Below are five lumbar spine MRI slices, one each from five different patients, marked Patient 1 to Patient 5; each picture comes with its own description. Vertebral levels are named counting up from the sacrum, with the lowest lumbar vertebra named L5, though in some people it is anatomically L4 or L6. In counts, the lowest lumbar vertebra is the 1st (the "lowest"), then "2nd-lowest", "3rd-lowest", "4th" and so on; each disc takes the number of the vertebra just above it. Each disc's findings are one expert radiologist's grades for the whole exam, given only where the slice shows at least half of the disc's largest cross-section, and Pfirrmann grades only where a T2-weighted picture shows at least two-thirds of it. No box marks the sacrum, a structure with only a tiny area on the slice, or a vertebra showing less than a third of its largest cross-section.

Patient 1 of 5:
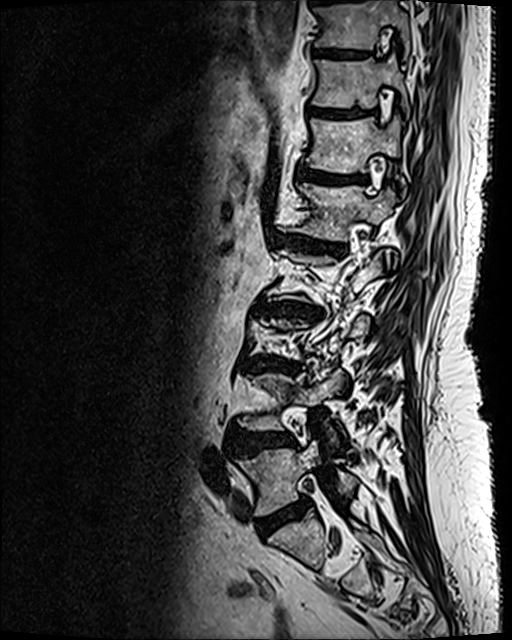
Sagittal slice index 38, Sagittal T2 SPACE (3D) lumbar spine MRI
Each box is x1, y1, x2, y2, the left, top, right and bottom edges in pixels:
L2/L3: 256, 298, 320, 321 | T10: 315, 0, 409, 55 | L3/L4: 251, 359, 296, 370 | L1 vertebra: 294, 183, 395, 241 | T11/T12: 307, 105, 372, 118 | T12/L1: 298, 169, 366, 183 | L4 vertebra: 238, 369, 343, 444 | T11 vertebra: 313, 55, 409, 116 | L1/L2: 271, 233, 345, 254 | IVD L5/S1: 258, 502, 304, 536 | T12 vertebra: 306, 116, 406, 195 | T10/T11: 314, 50, 362, 57 | IVD L4/L5: 229, 432, 294, 456 | L5 vertebra: 237, 440, 357, 515

Degenerative findings by level:
  T10/T11: Pfirrmann grade 4, upper-endplate change, lower-endplate change
  T12/L1: Pfirrmann grade 4, lower-endplate change, upper-endplate change, Modic type II
  L1/L2: Pfirrmann grade 5, disc narrowing, disc bulging, upper-endplate change, Modic type II, lower-endplate change
  L4/L5: Pfirrmann grade 4, upper-endplate change, disc bulging, lower-endplate change
  L2/L3: Pfirrmann grade 5, disc bulging, disc narrowing, upper-endplate change, lower-endplate change, Modic type II
  T11/T12: Pfirrmann grade 4, upper-endplate change, lower-endplate change

Patient 2 of 5:
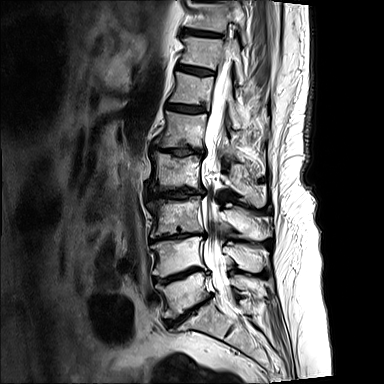
Sagittal slice index 8, Lumbar spine MR, T2-weighted, sagittal
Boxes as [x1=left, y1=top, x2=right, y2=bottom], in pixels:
Disc L2/L3: [x1=150, y1=187, x2=206, y2=198].
L1 vertebra: [x1=155, y1=111, x2=264, y2=173].
L4/L5: [x1=153, y1=267, x2=203, y2=284].
T12/L1: [x1=166, y1=104, x2=203, y2=113].
Thecal sac / spinal canal: [x1=201, y1=58, x2=231, y2=300].
T11: [x1=181, y1=36, x2=246, y2=84].
L2: [x1=148, y1=151, x2=265, y2=207].
Disc L5/S1: [x1=164, y1=294, x2=213, y2=325].
T10: [x1=187, y1=0, x2=247, y2=42].
L1/L2: [x1=153, y1=146, x2=204, y2=155].
T12: [x1=170, y1=72, x2=242, y2=128].
T11/T12: [x1=178, y1=65, x2=214, y2=75].
L3: [x1=146, y1=197, x2=272, y2=240].
L5 vertebra: [x1=155, y1=272, x2=265, y2=318].
Disc L3/L4: [x1=150, y1=233, x2=205, y2=242].
L4: [x1=150, y1=236, x2=264, y2=276].
Disc T10/T11: [x1=182, y1=29, x2=221, y2=35].

Per-level radiological findings:
- L1/L2: Pfirrmann grade 5, disc bulging, upper-endplate change, disc narrowing, lower-endplate change, Modic type I
- L4/L5: Pfirrmann grade 5, lower-endplate change, upper-endplate change, disc narrowing, disc bulging, Modic type II
- T12/L1: Pfirrmann grade 4
- T11/T12: Pfirrmann grade 4, upper-endplate change
- L2/L3: Pfirrmann grade 5, disc narrowing, upper-endplate change, lower-endplate change, Modic type I, disc bulging
- L3/L4: Modic type II, lower-endplate change, disc bulging, upper-endplate change, disc narrowing
- T10/T11: Pfirrmann grade 4, upper-endplate change
- L5/S1: Pfirrmann grade 5, Modic type II, upper-endplate change, lower-endplate change, disc bulging, disc narrowing

Patient 3 of 5:
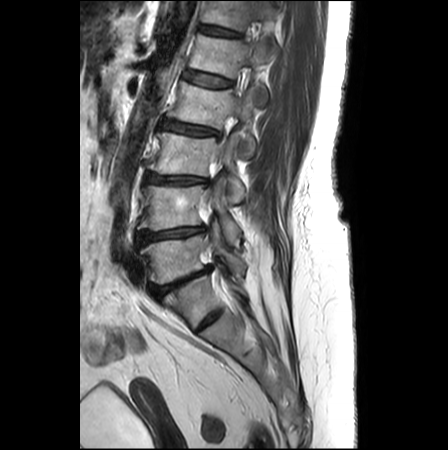 448x450 px | Sagittal T2-weighted lumbar spine MRI

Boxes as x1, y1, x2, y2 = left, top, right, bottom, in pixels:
Segmented structures:
- L3/L4 (3rd-lowest disc): 145, 173, 208, 183
- L2 (4th vertebra): 169, 82, 256, 156
- L5/S1 (lowest disc): 150, 265, 211, 298
- L1 (5th vertebra): 189, 34, 272, 105
- T12 (6th vertebra): 201, 1, 279, 30
- L4 (2nd-lowest vertebra): 138, 178, 240, 245
- IVD L2/L3 (4th disc): 161, 121, 219, 136
- IVD L1/L2 (5th disc): 183, 70, 232, 87
- IVD T12/L1 (6th disc): 198, 24, 240, 36
- L5 (lowest vertebra): 140, 223, 245, 283
- L3 (3rd-lowest vertebra): 147, 131, 244, 203
- L4/L5 (2nd-lowest disc): 136, 226, 204, 244

Radiological gradings:
  L5/S1 (lowest disc): Pfirrmann grade 5, upper-endplate change, Modic type II, disc narrowing, disc bulging, lower-endplate change
  L3/L4 (3rd-lowest disc): Pfirrmann grade 3, disc narrowing, Modic type II, upper-endplate change, lower-endplate change, disc bulging
  L2/L3 (4th disc): Pfirrmann grade 2, disc narrowing, lower-endplate change, disc bulging, upper-endplate change, Modic type II
  L4/L5 (2nd-lowest disc): Pfirrmann grade 3, lower-endplate change, disc narrowing, upper-endplate change, disc bulging, Modic type II
  T12/L1 (6th disc): Pfirrmann grade 2, lower-endplate change
  L1/L2 (5th disc): Pfirrmann grade 1

Patient 4 of 5:
Sagittal T1-weighted lumbar spine MRI

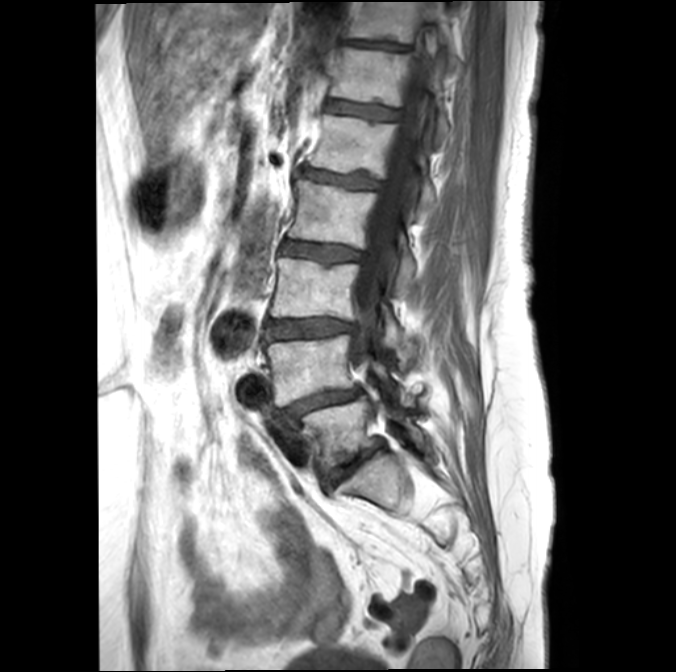

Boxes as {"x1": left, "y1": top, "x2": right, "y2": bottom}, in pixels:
* T11 at {"x1": 350, "y1": 1, "x2": 454, "y2": 62}
* L3 at {"x1": 271, "y1": 257, "x2": 403, "y2": 346}
* L4 at {"x1": 266, "y1": 334, "x2": 415, "y2": 405}
* L1 at {"x1": 308, "y1": 114, "x2": 435, "y2": 210}
* intervertebral disc L2/L3 at {"x1": 283, "y1": 241, "x2": 361, "y2": 260}
* L2 vertebra at {"x1": 288, "y1": 178, "x2": 415, "y2": 291}
* spinal canal at {"x1": 350, "y1": 22, "x2": 435, "y2": 373}
* T12 vertebra at {"x1": 330, "y1": 47, "x2": 448, "y2": 141}
* intervertebral disc L3/L4 at {"x1": 267, "y1": 318, "x2": 353, "y2": 337}
* L1/L2 at {"x1": 303, "y1": 169, "x2": 383, "y2": 188}
* L4/L5 at {"x1": 282, "y1": 388, "x2": 360, "y2": 420}
* T12/L1 at {"x1": 326, "y1": 100, "x2": 400, "y2": 120}
* intervertebral disc L5/S1 at {"x1": 324, "y1": 442, "x2": 382, "y2": 486}
* L5 at {"x1": 301, "y1": 396, "x2": 424, "y2": 468}
* T11/T12 at {"x1": 350, "y1": 39, "x2": 408, "y2": 49}

Per-level radiological findings:
- L5/S1: Modic type II, disc narrowing, disc bulging, lower-endplate change
- T12/L1: Modic type II, upper-endplate change, lower-endplate change
- T11/T12: disc bulging, lower-endplate change, upper-endplate change
- L3/L4: upper-endplate change, disc bulging, lower-endplate change, Modic type II
- L2/L3: upper-endplate change, Modic type II
- L1/L2: lower-endplate change, Modic type II
- L4/L5: spondylolisthesis, lower-endplate change, disc narrowing, Modic type II, disc bulging

Patient 5 of 5:
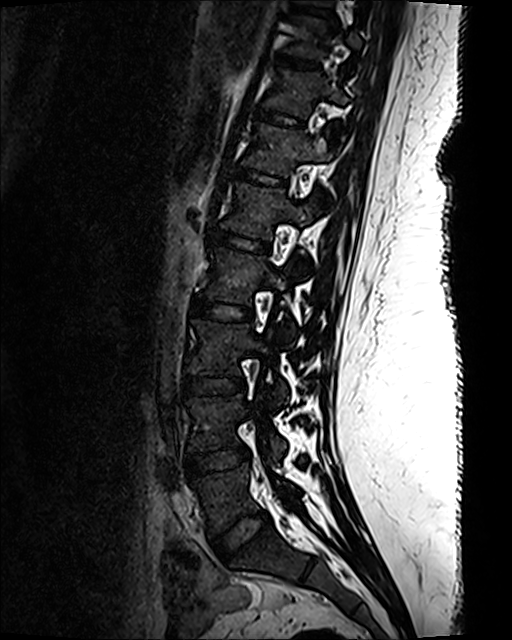 Patient sex: F. MRI lumbar spine (T2 SPACE (3D)), sagittal plane. Sagittal slice index 46.

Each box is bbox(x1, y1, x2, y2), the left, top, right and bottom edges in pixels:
L1 (5th vertebra) at bbox(220, 183, 319, 272); L4 (2nd-lowest vertebra) at bbox(187, 394, 286, 457); T12 (6th vertebra) at bbox(243, 123, 330, 197); intervertebral disc L1/L2 (5th disc) at bbox(212, 231, 267, 252); T10 (8th vertebra) at bbox(289, 16, 362, 58); intervertebral disc L2/L3 (4th disc) at bbox(192, 299, 252, 320); L4/L5 (2nd-lowest disc) at bbox(187, 447, 250, 476); intervertebral disc T11/T12 (7th disc) at bbox(258, 110, 303, 127); T11 (7th vertebra) at bbox(264, 69, 351, 138); intervertebral disc L3/L4 (3rd-lowest disc) at bbox(183, 376, 244, 394); L3 (3rd-lowest vertebra) at bbox(186, 319, 287, 404); intervertebral disc T12/L1 (6th disc) at bbox(238, 168, 284, 185); L2 (4th vertebra) at bbox(203, 248, 295, 341); L5/S1 (lowest disc) at bbox(212, 511, 270, 562); T10/T11 (8th disc) at bbox(277, 54, 317, 68); L5 (lowest vertebra) at bbox(192, 463, 299, 536).

Degenerative findings by level:
• T11/T12 (7th disc): Pfirrmann grade 1
• L5/S1 (lowest disc): Pfirrmann grade 1
• L3/L4 (3rd-lowest disc): Pfirrmann grade 1
• L1/L2 (5th disc): Pfirrmann grade 1
• L2/L3 (4th disc): Pfirrmann grade 1
• L4/L5 (2nd-lowest disc): Pfirrmann grade 1
• T12/L1 (6th disc): Pfirrmann grade 1
• T10/T11 (8th disc): no herniation, bulging, narrowing, spondylolisthesis, endplate or Modic change recorded